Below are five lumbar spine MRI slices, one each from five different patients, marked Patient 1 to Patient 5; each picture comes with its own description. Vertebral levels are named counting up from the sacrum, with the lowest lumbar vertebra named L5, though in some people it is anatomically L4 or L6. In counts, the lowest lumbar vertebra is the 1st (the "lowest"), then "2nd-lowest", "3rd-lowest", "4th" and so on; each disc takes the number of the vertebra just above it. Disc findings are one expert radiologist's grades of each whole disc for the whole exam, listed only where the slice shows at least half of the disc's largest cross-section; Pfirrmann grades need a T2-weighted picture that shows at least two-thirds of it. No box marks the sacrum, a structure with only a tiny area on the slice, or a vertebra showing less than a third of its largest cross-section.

Patient 1 of 5:
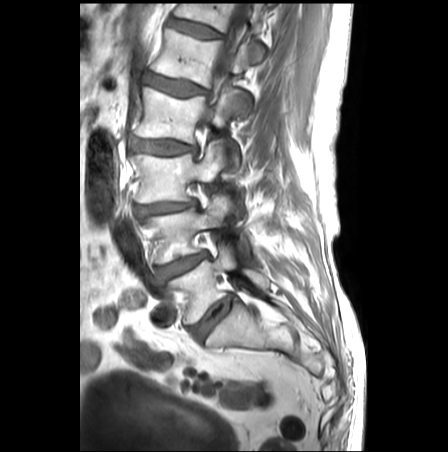 MRI lumbar spine (T1-weighted), sagittal plane
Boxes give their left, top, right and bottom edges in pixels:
* disc L3/L4 (3rd-lowest disc) — left=135, top=200, right=198, bottom=220
* T12 (6th vertebra) — left=175, top=4, right=267, bottom=62
* L1 (5th vertebra) — left=153, top=28, right=250, bottom=86
* L5 (lowest vertebra) — left=170, top=242, right=269, bottom=323
* disc L5/S1 (lowest disc) — left=194, top=295, right=233, bottom=338
* L2 (4th vertebra) — left=136, top=87, right=238, bottom=168
* disc T12/L1 (6th disc) — left=169, top=18, right=219, bottom=38
* L4/L5 (2nd-lowest disc) — left=157, top=252, right=207, bottom=281
* L3 (3rd-lowest vertebra) — left=131, top=143, right=223, bottom=202
* disc L2/L3 (4th disc) — left=129, top=137, right=197, bottom=155
* L4 (2nd-lowest vertebra) — left=144, top=192, right=249, bottom=262
* thecal sac / spinal canal — left=197, top=4, right=248, bottom=129
* disc L1/L2 (5th disc) — left=143, top=72, right=204, bottom=96

Radiological gradings:
• L5/S1 (lowest disc): disc bulging
• L4/L5 (2nd-lowest disc): disc bulging
• L1/L2 (5th disc): disc bulging, lower-endplate change, Modic type II, upper-endplate change
• L2/L3 (4th disc): disc bulging
• L3/L4 (3rd-lowest disc): disc bulging, disc narrowing
• T12/L1 (6th disc): no herniation, bulging, narrowing, spondylolisthesis, endplate or Modic change recorded

Patient 2 of 5:
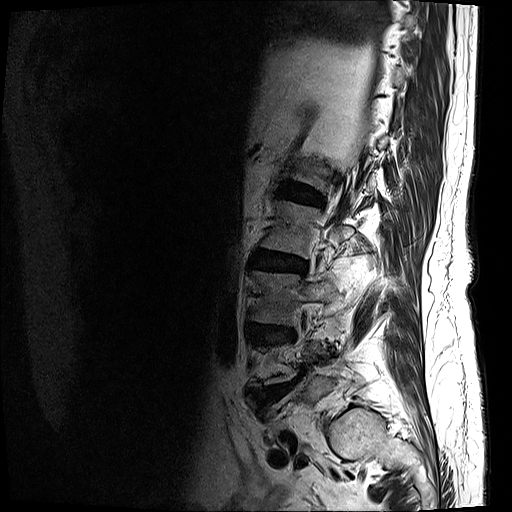 Sagittal T2-weighted lumbar spine MRI | Sagittal slice index 1

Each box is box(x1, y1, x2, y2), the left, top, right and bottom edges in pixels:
2nd-lowest disc at box(255, 384, 291, 401).
4th vertebra at box(261, 201, 354, 258).
4th disc at box(251, 249, 306, 274).
5th disc at box(280, 182, 323, 205).
3rd-lowest disc at box(254, 325, 292, 338).
3rd-lowest vertebra at box(253, 271, 334, 324).

Radiological gradings:
  4th disc: Pfirrmann grade 4, upper-endplate change, disc bulging, lower-endplate change, disc narrowing, Modic type II
  5th disc: upper-endplate change, disc bulging, lower-endplate change, disc narrowing

Patient 3 of 5:
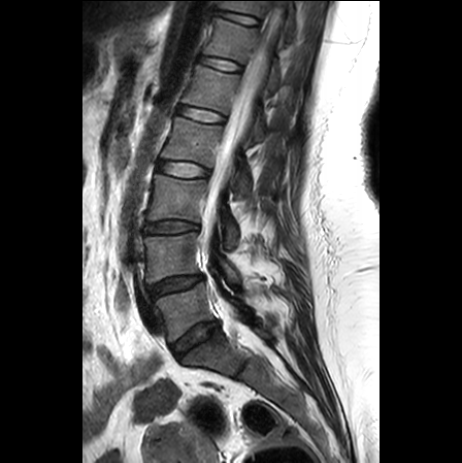 Patient sex: F; 462x463 px; MRI lumbar spine (T2-weighted), sagittal plane
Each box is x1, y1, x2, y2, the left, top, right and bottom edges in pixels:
Structures:
- L2 vertebra = 161, 117, 250, 196
- spinal canal = 202, 1, 285, 333
- intervertebral disc L4/L5 = 147, 275, 203, 297
- T12 = 203, 17, 281, 92
- intervertebral disc T11/T12 = 217, 10, 259, 24
- L1/L2 = 178, 106, 224, 122
- L3 = 147, 174, 237, 248
- L1 = 183, 65, 264, 145
- T11 = 220, 0, 294, 43
- L4 vertebra = 144, 232, 239, 282
- L5 vertebra = 156, 281, 251, 341
- T12/L1 = 200, 56, 241, 71
- intervertebral disc L2/L3 = 158, 161, 208, 176
- intervertebral disc L5/S1 = 172, 320, 219, 358
- intervertebral disc L3/L4 = 145, 221, 197, 233

Degenerative findings by level:
  L5/S1: Pfirrmann grade 3, disc bulging, disc narrowing
  T11/T12: Pfirrmann grade 1
  L4/L5: Pfirrmann grade 3, disc bulging, disc narrowing
  L2/L3: Pfirrmann grade 1
  T12/L1: Pfirrmann grade 1
  L1/L2: Pfirrmann grade 1
  L3/L4: Pfirrmann grade 1

Patient 4 of 5:
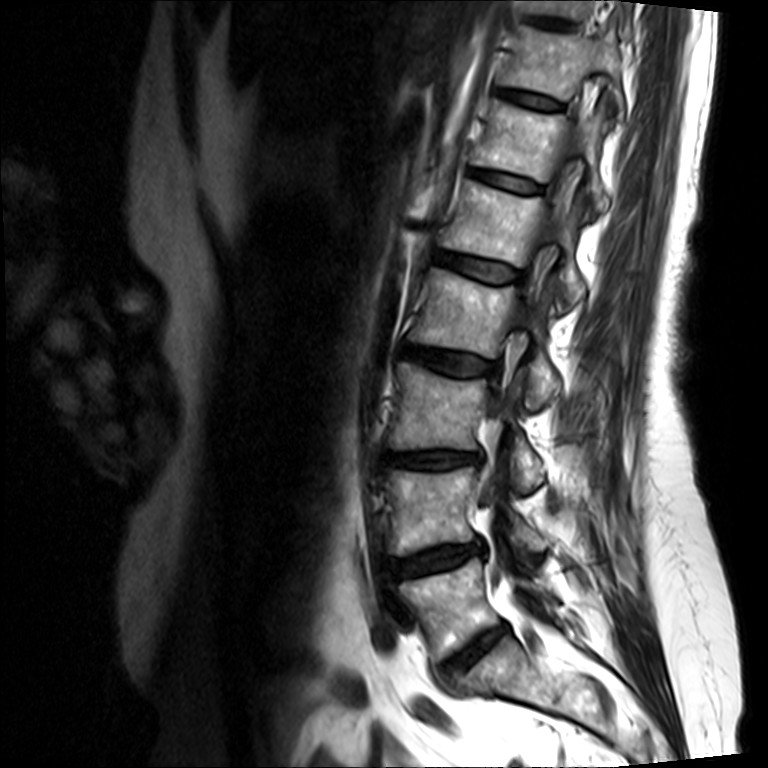

Field of view 280x280 mm, T2-weighted sagittal MRI of the lumbar spine
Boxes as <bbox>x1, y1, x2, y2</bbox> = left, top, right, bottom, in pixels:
T12/L1 = <bbox>469, 167, 543, 192</bbox> | T11 = <bbox>501, 23, 625, 116</bbox> | IVD L3/L4 = <bbox>385, 452, 483, 467</bbox> | L4 vertebra = <bbox>382, 467, 549, 555</bbox> | L1 = <bbox>443, 180, 585, 304</bbox> | L2 = <bbox>410, 267, 561, 405</bbox> | T10 = <bbox>527, 0, 674, 19</bbox> | L5/S1 = <bbox>438, 623, 508, 685</bbox> | T10/T11 = <bbox>530, 15, 574, 29</bbox> | T12 = <bbox>471, 97, 609, 209</bbox> | L3 = <bbox>390, 361, 546, 491</bbox> | IVD L4/L5 = <bbox>392, 541, 485, 578</bbox> | IVD T11/T12 = <bbox>497, 86, 564, 110</bbox> | L5 vertebra = <bbox>400, 557, 557, 662</bbox> | L2/L3 = <bbox>403, 345, 498, 375</bbox> | spinal canal = <bbox>533, 9, 658, 286</bbox> | L1/L2 = <bbox>435, 249, 521, 281</bbox>

Radiological gradings:
- T12/L1: Pfirrmann grade 2
- L5/S1: disc narrowing, disc bulging
- L3/L4: Pfirrmann grade 3, lower-endplate change, upper-endplate change, disc narrowing, disc bulging
- L2/L3: Pfirrmann grade 3, disc bulging
- L4/L5: Pfirrmann grade 3, disc herniation, disc narrowing, Modic type II, disc bulging
- L1/L2: Pfirrmann grade 2
- T11/T12: Pfirrmann grade 2

Patient 5 of 5:
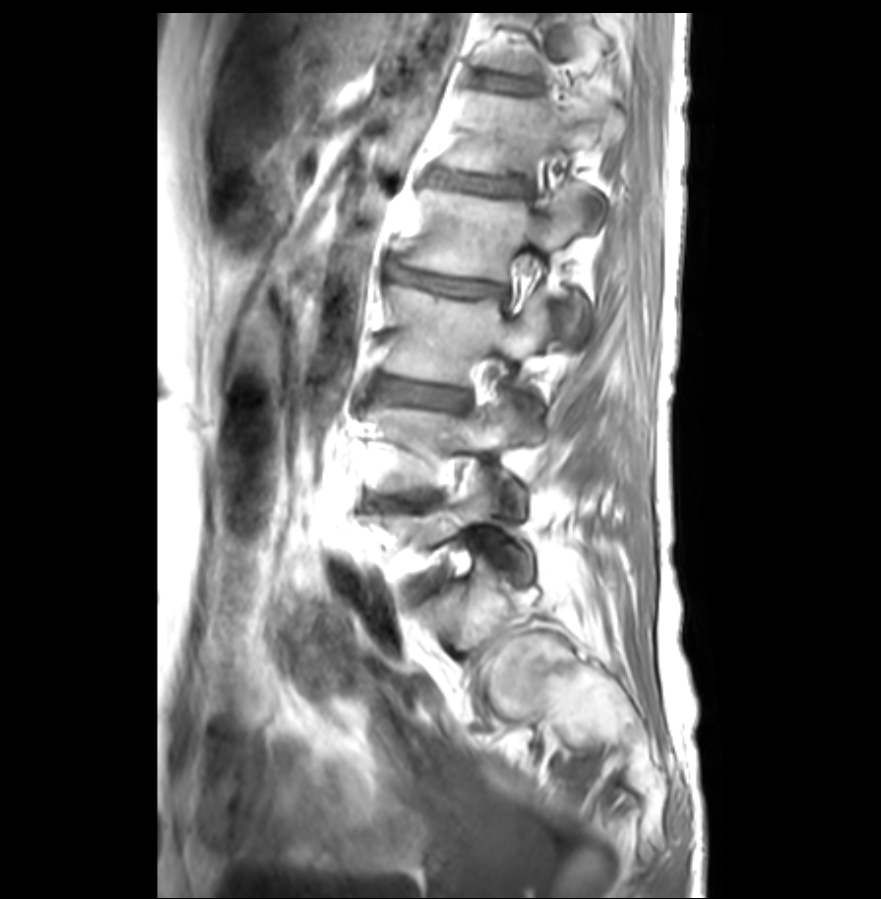 Sex F, Image 881x899, Lumbar spine MR, T1-weighted, sagittal

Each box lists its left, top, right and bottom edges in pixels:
5th vertebra: left=445, top=92, right=623, bottom=174
5th disc: left=431, top=170, right=528, bottom=195
6th disc: left=484, top=75, right=536, bottom=91
4th vertebra: left=405, top=183, right=589, bottom=345
2nd-lowest disc: left=366, top=492, right=438, bottom=509
4th disc: left=391, top=264, right=506, bottom=297
2nd-lowest vertebra: left=372, top=393, right=536, bottom=512
3rd-lowest disc: left=376, top=376, right=467, bottom=407
3rd-lowest vertebra: left=387, top=285, right=550, bottom=382

Degenerative findings by level:
- 3rd-lowest disc: Modic type II, disc bulging
- 4th disc: Modic type II, disc narrowing, disc bulging, disc herniation, lower-endplate change, upper-endplate change
- 5th disc: lower-endplate change, upper-endplate change, Modic type II
- 2nd-lowest disc: disc narrowing, Modic type II, disc bulging